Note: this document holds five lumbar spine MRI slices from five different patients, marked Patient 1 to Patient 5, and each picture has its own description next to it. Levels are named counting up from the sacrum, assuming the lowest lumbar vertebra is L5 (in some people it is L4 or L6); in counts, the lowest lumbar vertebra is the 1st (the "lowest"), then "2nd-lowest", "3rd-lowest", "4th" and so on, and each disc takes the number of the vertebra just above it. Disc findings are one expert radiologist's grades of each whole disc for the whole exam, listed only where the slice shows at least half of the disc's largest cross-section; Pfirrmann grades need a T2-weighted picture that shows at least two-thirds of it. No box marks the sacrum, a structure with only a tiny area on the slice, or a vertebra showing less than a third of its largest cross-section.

Patient 1 of 5:
448x448 px. T1-weighted sagittal MRI of the lumbar spine. Philips Healthcare Ingenia (3T). Sagittal slice index 5. Patient sex: M.

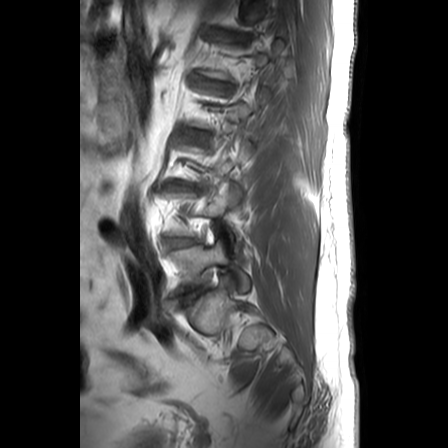 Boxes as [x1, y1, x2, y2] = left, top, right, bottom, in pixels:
Disc L4/L5 at [169, 238, 195, 246], L5 vertebra at [170, 240, 248, 291], L1/L2 at [207, 80, 229, 89].

Patient 2 of 5:
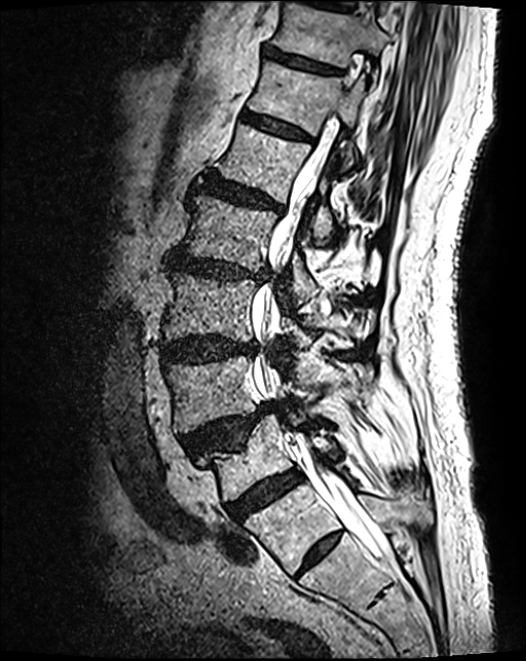

Image 526x661 | MRI lumbar spine (T2 SPACE (3D)), sagittal plane

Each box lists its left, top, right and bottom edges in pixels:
4th vertebra — left=182, top=195, right=317, bottom=304.
Lowest vertebra — left=201, top=417, right=350, bottom=501.
7th vertebra — left=272, top=5, right=390, bottom=81.
7th disc — left=264, top=48, right=338, bottom=75.
5th vertebra — left=218, top=124, right=334, bottom=244.
2nd-lowest disc — left=182, top=403, right=276, bottom=457.
6th disc — left=243, top=112, right=309, bottom=141.
6th vertebra — left=248, top=62, right=365, bottom=169.
3rd-lowest vertebra — left=162, top=273, right=351, bottom=347.
3rd-lowest disc — left=160, top=337, right=255, bottom=363.
4th disc — left=171, top=253, right=268, bottom=283.
Spinal canal — left=252, top=105, right=392, bottom=566.
5th disc — left=203, top=176, right=283, bottom=212.
2nd-lowest vertebra — left=165, top=356, right=369, bottom=433.
Lowest disc — left=227, top=471, right=303, bottom=521.

Per-level radiological findings:
- 7th disc: Pfirrmann grade 3, lower-endplate change
- 5th disc: Pfirrmann grade 4, upper-endplate change, lower-endplate change, disc bulging
- 6th disc: Pfirrmann grade 3
- lowest disc: Pfirrmann grade 4
- 4th disc: Pfirrmann grade 4, lower-endplate change, upper-endplate change, disc bulging, disc narrowing
- 3rd-lowest disc: Pfirrmann grade 4, disc bulging
- 2nd-lowest disc: Pfirrmann grade 4, upper-endplate change, spondylolisthesis, disc herniation

Patient 3 of 5:
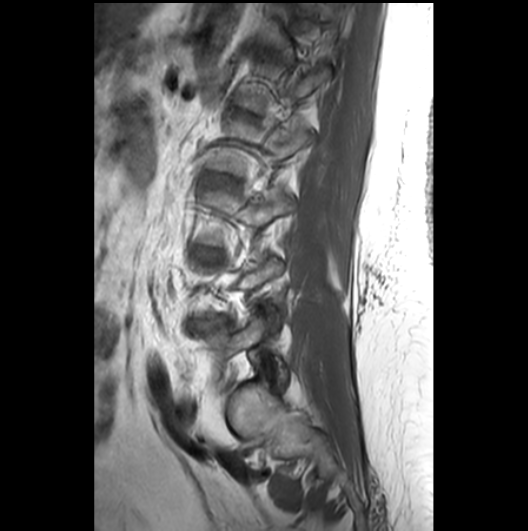
Image 528x531; MRI lumbar spine (T1-weighted), sagittal plane

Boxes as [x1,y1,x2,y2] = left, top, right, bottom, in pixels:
2nd-lowest disc at [195,315,229,327].
Lowest vertebra at [203,314,288,388].
3rd-lowest disc at [199,249,212,254].

Patient 4 of 5:
Image 384x389. T2-weighted sagittal MRI of the lumbar spine.
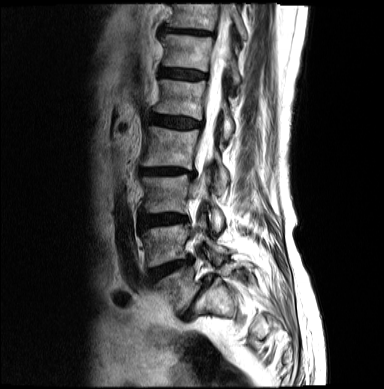 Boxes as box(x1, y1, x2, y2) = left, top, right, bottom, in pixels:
Annotations:
• L1/L2: box(151, 115, 202, 128)
• T11: box(164, 4, 249, 40)
• disc T12/L1: box(161, 68, 207, 80)
• disc L4/L5: box(147, 260, 192, 282)
• L1 vertebra: box(155, 80, 235, 138)
• L5: box(155, 262, 252, 310)
• L3: box(141, 175, 225, 231)
• disc L2/L3: box(140, 169, 197, 178)
• disc L5/S1: box(180, 276, 215, 320)
• T11/T12: box(161, 28, 210, 35)
• L3/L4: box(141, 215, 186, 226)
• spinal canal: box(202, 4, 234, 160)
• L4 vertebra: box(144, 216, 231, 266)
• L2: box(141, 127, 231, 194)
• T12: box(161, 34, 241, 86)

Expert MSK radiologist gradings (per disc):
  L1/L2: Pfirrmann grade 4, lower-endplate change, disc bulging
  T11/T12: Pfirrmann grade 4, disc bulging, disc narrowing
  L3/L4: Pfirrmann grade 4, disc bulging
  T12/L1: Pfirrmann grade 3
  L4/L5: Pfirrmann grade 4, Modic type II, disc narrowing
  L2/L3: Pfirrmann grade 4, disc narrowing, disc bulging, Modic type II
  L5/S1: spondylolisthesis, disc narrowing, lower-endplate change, Modic type II, upper-endplate change, disc herniation, disc bulging

Patient 5 of 5:
Sagittal T1-weighted lumbar spine MRI. Field of view 281x281 mm, slice spacing 3.3 mm.
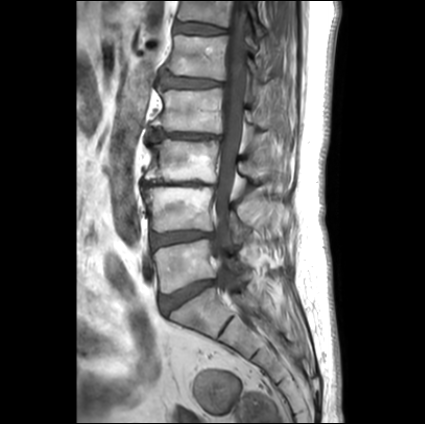 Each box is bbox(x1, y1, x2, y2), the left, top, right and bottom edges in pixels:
L5 (lowest vertebra) at bbox(153, 240, 252, 293); L4/L5 (2nd-lowest disc) at bbox(150, 231, 210, 248); intervertebral disc L3/L4 (3rd-lowest disc) at bbox(142, 181, 216, 189); intervertebral disc L1/L2 (5th disc) at bbox(159, 70, 220, 88); L3 (3rd-lowest vertebra) at bbox(145, 139, 268, 182); L2/L3 (4th disc) at bbox(147, 130, 220, 140); intervertebral disc T12/L1 (6th disc) at bbox(176, 23, 223, 34); T12 (6th vertebra) at bbox(178, 1, 266, 37); L2 (4th vertebra) at bbox(152, 88, 268, 133); L5/S1 (lowest disc) at bbox(160, 280, 214, 314); L1 (5th vertebra) at bbox(167, 35, 265, 82); L4 (2nd-lowest vertebra) at bbox(143, 187, 255, 241); spinal canal at bbox(213, 1, 246, 301).

Per-level radiological findings:
- L4/L5 (2nd-lowest disc): disc bulging
- L5/S1 (lowest disc): disc bulging
- L3/L4 (3rd-lowest disc): upper-endplate change, disc narrowing, disc bulging, Modic type II, lower-endplate change
- L2/L3 (4th disc): lower-endplate change, disc narrowing, disc bulging, upper-endplate change
- L1/L2 (5th disc): upper-endplate change, lower-endplate change, disc bulging
- T12/L1 (6th disc): no spondylolisthesis, narrowing, bulging, herniation, Modic or endplate change recorded